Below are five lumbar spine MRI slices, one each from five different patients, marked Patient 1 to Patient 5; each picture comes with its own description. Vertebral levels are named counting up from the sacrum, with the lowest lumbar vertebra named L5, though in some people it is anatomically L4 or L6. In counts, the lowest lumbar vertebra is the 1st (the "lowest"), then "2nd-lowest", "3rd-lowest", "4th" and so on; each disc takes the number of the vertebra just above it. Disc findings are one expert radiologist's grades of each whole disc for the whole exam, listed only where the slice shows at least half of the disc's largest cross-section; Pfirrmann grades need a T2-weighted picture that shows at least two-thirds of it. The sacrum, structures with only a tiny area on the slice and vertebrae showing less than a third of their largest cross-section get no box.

Patient 1 of 5:
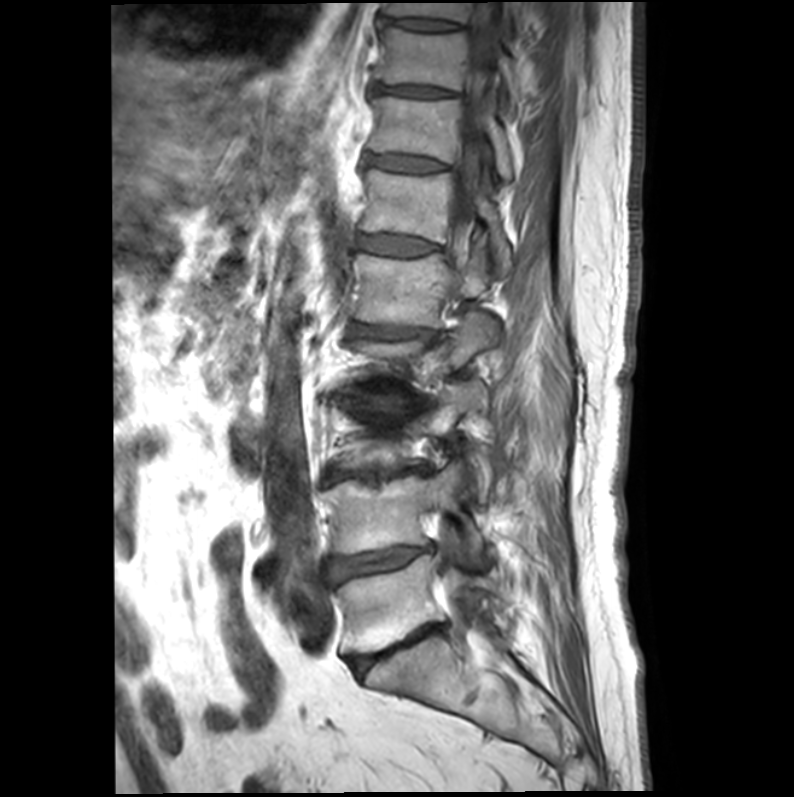 T1-weighted sagittal MRI of the lumbar spine. Image 794x797. Patient sex: M. Slice spacing 4.4 mm.
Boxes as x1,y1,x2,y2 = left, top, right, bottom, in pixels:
* IVD L3/L4 = 326,466,427,482
* spinal canal = 445,1,500,637
* L3 = 337,382,490,494
* IVD T9/T10 = 380,18,460,30
* T11 vertebra = 369,97,512,180
* T11/T12 = 366,155,444,172
* T10/T11 = 375,83,452,96
* L5 vertebra = 337,554,499,652
* T10 vertebra = 374,28,522,101
* L1 = 349,243,488,328
* L4 vertebra = 323,462,483,554
* L5/S1 = 349,624,444,674
* L1/L2 = 351,323,432,341
* L4/L5 = 327,545,432,583
* T9 = 384,1,540,30
* IVD T12/L1 = 356,235,436,256
* T12 = 358,168,511,270

Degenerative findings by level:
• L4/L5: upper-endplate change, disc bulging, lower-endplate change, disc narrowing, Modic type II
• L1/L2: disc narrowing, lower-endplate change, upper-endplate change, Modic type II, disc bulging
• L5/S1: disc narrowing, lower-endplate change, disc bulging, upper-endplate change, Modic type II
• L3/L4: Modic type II, upper-endplate change, lower-endplate change, disc bulging, disc narrowing
• T10/T11, T11/T12, T9/T10, T12/L1: no Modic or endplate change, herniation, narrowing, bulging or spondylolisthesis recorded

Patient 2 of 5:
Slice 17/26. Lumbar spine MR, T1-weighted, sagittal. 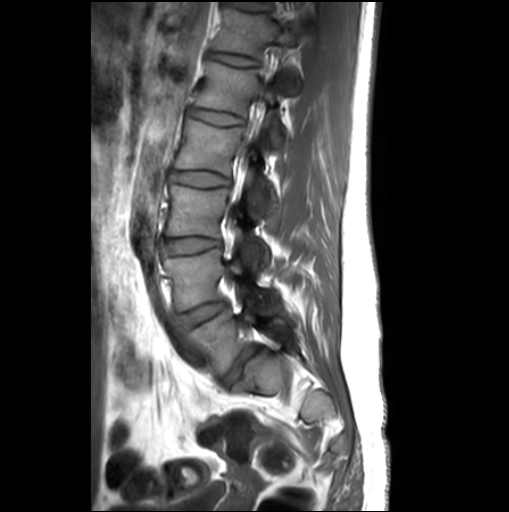

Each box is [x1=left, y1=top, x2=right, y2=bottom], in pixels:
Disc L1/L2 — [x1=190, y1=108, x2=243, y2=125].
L3 vertebra — [x1=166, y1=184, x2=267, y2=271].
Disc L3/L4 — [x1=160, y1=237, x2=221, y2=260].
T12 vertebra — [x1=213, y1=9, x2=300, y2=94].
L4 vertebra — [x1=164, y1=250, x2=280, y2=315].
L5/S1 — [x1=221, y1=345, x2=259, y2=387].
L2 vertebra — [x1=175, y1=120, x2=274, y2=217].
L5 — [x1=189, y1=309, x2=286, y2=372].
L2/L3 — [x1=169, y1=171, x2=230, y2=186].
T12/L1 — [x1=210, y1=52, x2=258, y2=66].
L4/L5 — [x1=176, y1=300, x2=226, y2=329].
L1 vertebra — [x1=196, y1=62, x2=283, y2=145].

Degenerative findings by level:
- L3/L4: disc bulging
- L5/S1: disc bulging, upper-endplate change, lower-endplate change
- L4/L5: disc bulging
- T12/L1, L2/L3, L1/L2: no Modic or endplate change, herniation, narrowing, bulging or spondylolisthesis recorded

Patient 3 of 5:
Lumbar spine MR, T2 SPACE (3D), sagittal. Patient sex: F.

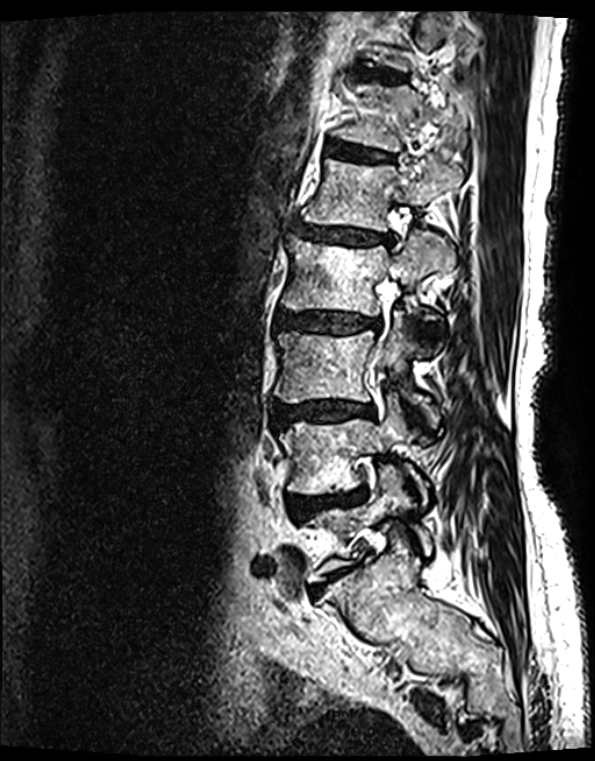
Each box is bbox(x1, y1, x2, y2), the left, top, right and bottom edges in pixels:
L3/L4 = bbox(274, 402, 372, 426).
IVD T12/L1 = bbox(326, 144, 390, 163).
L2/L3 = bbox(274, 312, 376, 333).
IVD L1/L2 = bbox(292, 226, 384, 244).
T12 = bbox(329, 80, 472, 150).
IVD L5/S1 = bbox(313, 568, 347, 590).
L5 = bbox(303, 465, 430, 582).
L3 vertebra = bbox(274, 316, 433, 425).
L2 = bbox(281, 234, 454, 341).
IVD T11/T12 = bbox(353, 67, 404, 81).
L1 = bbox(300, 153, 459, 232).
Spinal canal = bbox(369, 251, 399, 376).
IVD L4/L5 = bbox(285, 488, 366, 522).
L4 = bbox(278, 396, 426, 504).

Per-level radiological findings:
  L2/L3: Pfirrmann grade 4, upper-endplate change, disc narrowing, Modic type II, lower-endplate change, disc bulging
  T12/L1: lower-endplate change, upper-endplate change, Modic type II
  L3/L4: Pfirrmann grade 4, lower-endplate change, upper-endplate change, Modic type II, disc narrowing, disc bulging
  L1/L2: Pfirrmann grade 4, upper-endplate change, disc narrowing, disc bulging, Modic type II, lower-endplate change
  L4/L5: lower-endplate change, disc herniation, Modic type II, disc narrowing, upper-endplate change, disc bulging

Patient 4 of 5:
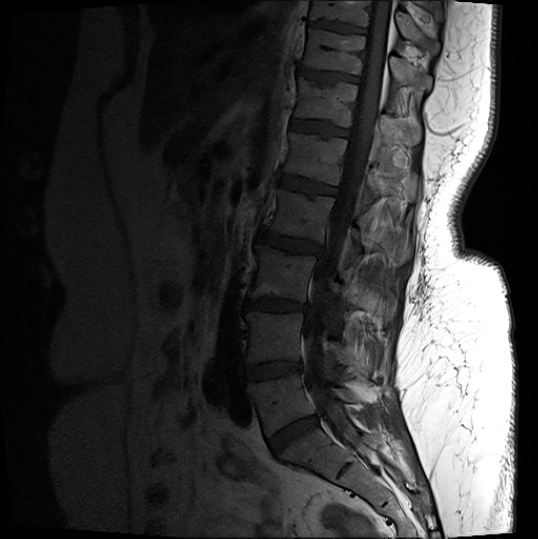 Lumbar spine MR, T1-weighted, sagittal | Image 538x539 | Sex F | Field of view 300x300 mm, slice spacing 3.3 mm | Slice 8 of 18
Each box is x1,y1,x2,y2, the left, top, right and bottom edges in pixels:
L2/L3 (4th disc): 258,230,321,255.
T10 (8th vertebra): 310,1,439,53.
Disc L1/L2 (5th disc): 280,175,336,195.
Disc T10/T11 (8th disc): 309,21,366,33.
T11 (7th vertebra): 304,30,431,90.
L4 (2nd-lowest vertebra): 246,312,368,374.
Disc L5/S1 (lowest disc): 268,416,317,452.
L3/L4 (3rd-lowest disc): 246,299,307,311.
L2 (4th vertebra): 267,189,411,265.
Thecal sac / spinal canal: 303,1,393,448.
L5 (lowest vertebra): 246,373,356,436.
T12 (6th vertebra): 296,78,421,145.
Disc T12/L1 (6th disc): 291,120,347,137.
L3 (3rd-lowest vertebra): 250,245,396,320.
Disc T11/T12 (7th disc): 298,68,358,83.
Disc L4/L5 (2nd-lowest disc): 245,361,301,380.
L1 (5th vertebra): 284,133,417,205.

Radiological gradings:
• T11/T12 (7th disc): upper-endplate change
• L3/L4 (3rd-lowest disc): Modic type II, upper-endplate change, lower-endplate change, disc bulging, disc narrowing
• L5/S1 (lowest disc): disc narrowing, disc bulging
• L1/L2 (5th disc): Modic type II, upper-endplate change, lower-endplate change
• T10/T11 (8th disc): upper-endplate change, lower-endplate change
• L2/L3 (4th disc): lower-endplate change, disc bulging, upper-endplate change
• T12/L1 (6th disc): lower-endplate change, upper-endplate change
• L4/L5 (2nd-lowest disc): lower-endplate change, disc bulging, Modic type II

Patient 5 of 5:
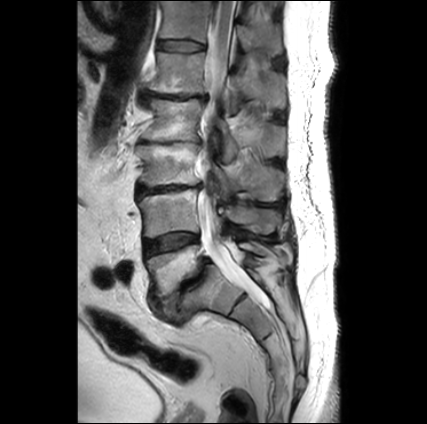

T2-weighted sagittal MRI of the lumbar spine, Image 427x424, Patient sex: M

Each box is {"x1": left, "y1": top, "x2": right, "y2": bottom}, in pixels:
Annotations:
- spinal canal: {"x1": 198, "y1": 1, "x2": 260, "y2": 297}
- L4 (2nd-lowest vertebra): {"x1": 139, "y1": 189, "x2": 281, "y2": 237}
- L5 (lowest vertebra): {"x1": 147, "y1": 242, "x2": 286, "y2": 298}
- L3 (3rd-lowest vertebra): {"x1": 136, "y1": 142, "x2": 283, "y2": 201}
- L1 (5th vertebra): {"x1": 148, "y1": 52, "x2": 285, "y2": 110}
- intervertebral disc L2/L3 (4th disc): {"x1": 140, "y1": 140, "x2": 181, "y2": 144}
- intervertebral disc T12/L1 (6th disc): {"x1": 157, "y1": 40, "x2": 204, "y2": 51}
- T12 (6th vertebra): {"x1": 159, "y1": 1, "x2": 282, "y2": 55}
- intervertebral disc L5/S1 (lowest disc): {"x1": 157, "y1": 258, "x2": 212, "y2": 318}
- intervertebral disc L4/L5 (2nd-lowest disc): {"x1": 143, "y1": 232, "x2": 198, "y2": 256}
- L3/L4 (3rd-lowest disc): {"x1": 137, "y1": 184, "x2": 201, "y2": 198}
- L2 (4th vertebra): {"x1": 141, "y1": 98, "x2": 285, "y2": 161}
- intervertebral disc L1/L2 (5th disc): {"x1": 143, "y1": 91, "x2": 206, "y2": 100}

Expert MSK radiologist gradings (per disc):
  L3/L4 (3rd-lowest disc): Pfirrmann grade 5, disc bulging, upper-endplate change, disc narrowing, lower-endplate change, Modic type II
  T12/L1 (6th disc): Pfirrmann grade 2
  L4/L5 (2nd-lowest disc): Pfirrmann grade 3, Modic type II
  L5/S1 (lowest disc): Pfirrmann grade 5, disc bulging, spondylolisthesis, upper-endplate change, Modic type II, disc narrowing, lower-endplate change
  L1/L2 (5th disc): Pfirrmann grade 5, disc herniation, disc bulging, Modic type II, lower-endplate change, upper-endplate change, disc narrowing